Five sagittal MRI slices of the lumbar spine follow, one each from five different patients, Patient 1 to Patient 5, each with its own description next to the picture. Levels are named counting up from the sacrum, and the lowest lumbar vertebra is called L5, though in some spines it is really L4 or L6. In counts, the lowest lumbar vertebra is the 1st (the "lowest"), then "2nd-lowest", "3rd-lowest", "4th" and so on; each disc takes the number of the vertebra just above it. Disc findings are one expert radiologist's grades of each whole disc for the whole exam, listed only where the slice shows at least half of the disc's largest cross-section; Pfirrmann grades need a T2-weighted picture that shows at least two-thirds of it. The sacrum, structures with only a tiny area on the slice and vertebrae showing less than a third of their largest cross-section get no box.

Patient 1 of 5:
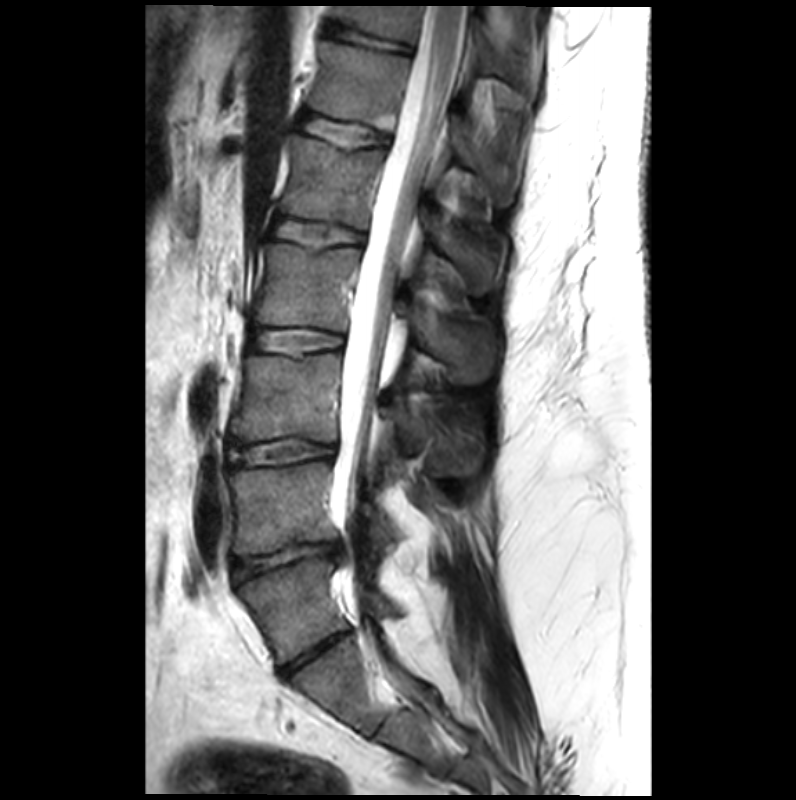 796x800 px | Sagittal slice index 17 | Sagittal T2-weighted lumbar spine MRI

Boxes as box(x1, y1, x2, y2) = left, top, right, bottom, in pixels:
Annotations:
- 6th vertebra = box(307, 42, 511, 205)
- 5th disc = box(271, 219, 363, 248)
- 2nd-lowest vertebra = box(227, 461, 393, 553)
- lowest vertebra = box(239, 559, 396, 665)
- 3rd-lowest disc = box(227, 439, 333, 464)
- lowest disc = box(280, 632, 349, 676)
- 2nd-lowest disc = box(232, 543, 339, 580)
- 7th vertebra = box(331, 5, 528, 87)
- 4th disc = box(249, 328, 344, 354)
- 6th disc = box(299, 113, 386, 148)
- 7th disc = box(325, 21, 410, 51)
- spinal canal = box(338, 6, 465, 510)
- 3rd-lowest vertebra = box(231, 354, 427, 456)
- 4th vertebra = box(250, 242, 493, 381)
- 5th vertebra = box(278, 134, 494, 293)

Degenerative findings by level:
• 3rd-lowest disc: Pfirrmann grade 2
• 7th disc: Pfirrmann grade 2, lower-endplate change
• 2nd-lowest disc: Pfirrmann grade 3, spondylolisthesis, Modic type III, disc herniation, disc narrowing, lower-endplate change, upper-endplate change
• 5th disc: Pfirrmann grade 2, upper-endplate change, lower-endplate change
• lowest disc: Pfirrmann grade 3, disc narrowing
• 4th disc: Pfirrmann grade 2
• 6th disc: Pfirrmann grade 2, lower-endplate change, upper-endplate change

Patient 2 of 5:
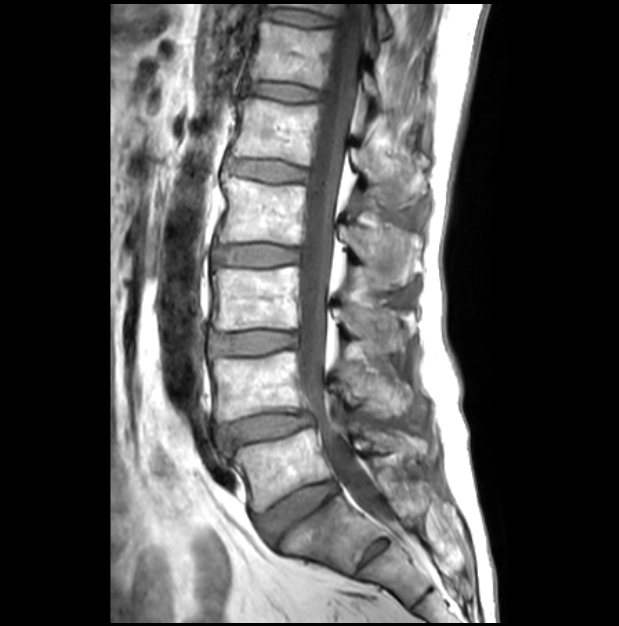 Sex M. Lumbar spine MR, T1-weighted, sagittal.

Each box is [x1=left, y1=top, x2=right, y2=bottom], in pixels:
Segmented structures:
• 7th disc: [x1=264, y1=9, x2=333, y2=25]
• 7th vertebra: [x1=271, y1=2, x2=391, y2=37]
• 3rd-lowest vertebra: [x1=210, y1=267, x2=415, y2=353]
• 2nd-lowest disc: [x1=217, y1=412, x2=312, y2=449]
• thecal sac / spinal canal: [x1=298, y1=4, x2=386, y2=519]
• 3rd-lowest disc: [x1=210, y1=331, x2=295, y2=356]
• 2nd-lowest vertebra: [x1=210, y1=351, x2=411, y2=423]
• lowest vertebra: [x1=232, y1=428, x2=426, y2=511]
• 5th vertebra: [x1=232, y1=97, x2=426, y2=203]
• 6th disc: [x1=243, y1=81, x2=318, y2=101]
• 6th vertebra: [x1=249, y1=21, x2=426, y2=117]
• 4th vertebra: [x1=217, y1=176, x2=419, y2=288]
• lowest disc: [x1=258, y1=480, x2=337, y2=541]
• 5th disc: [x1=226, y1=159, x2=307, y2=181]
• 4th disc: [x1=211, y1=245, x2=297, y2=266]

Per-level radiological findings:
  2nd-lowest disc: disc narrowing, upper-endplate change, disc bulging, lower-endplate change, spondylolisthesis
  6th disc, 7th disc, 4th disc, 5th disc, 3rd-lowest disc, lowest disc: no herniation, bulging, narrowing, spondylolisthesis, endplate or Modic change recorded

Patient 3 of 5:
Slice spacing 3.3 mm; Sagittal slice index 2; MRI lumbar spine (T1-weighted), sagittal plane; Image 512x512

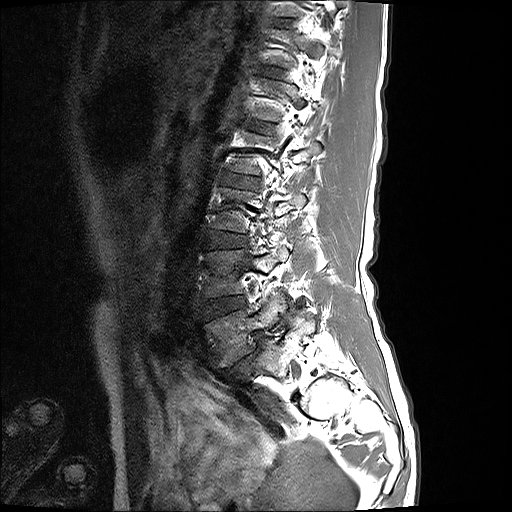
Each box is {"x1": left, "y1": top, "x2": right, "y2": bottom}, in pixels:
L3/L4 = {"x1": 206, "y1": 231, "x2": 246, "y2": 247}.
L5/S1 = {"x1": 221, "y1": 337, "x2": 265, "y2": 379}.
L2/L3 = {"x1": 223, "y1": 173, "x2": 258, "y2": 189}.
L4 = {"x1": 205, "y1": 248, "x2": 288, "y2": 297}.
L5 = {"x1": 205, "y1": 293, "x2": 287, "y2": 367}.
T12/L1 = {"x1": 263, "y1": 66, "x2": 283, "y2": 76}.
L4/L5 = {"x1": 202, "y1": 296, "x2": 245, "y2": 320}.
IVD L1/L2 = {"x1": 247, "y1": 120, "x2": 273, "y2": 132}.

Expert MSK radiologist gradings (per disc):
  L5/S1: Modic type II, spondylolisthesis, disc narrowing, disc bulging
  L2/L3, L4/L5, L3/L4: no Modic or endplate change, herniation, narrowing, bulging or spondylolisthesis recorded

Patient 4 of 5:
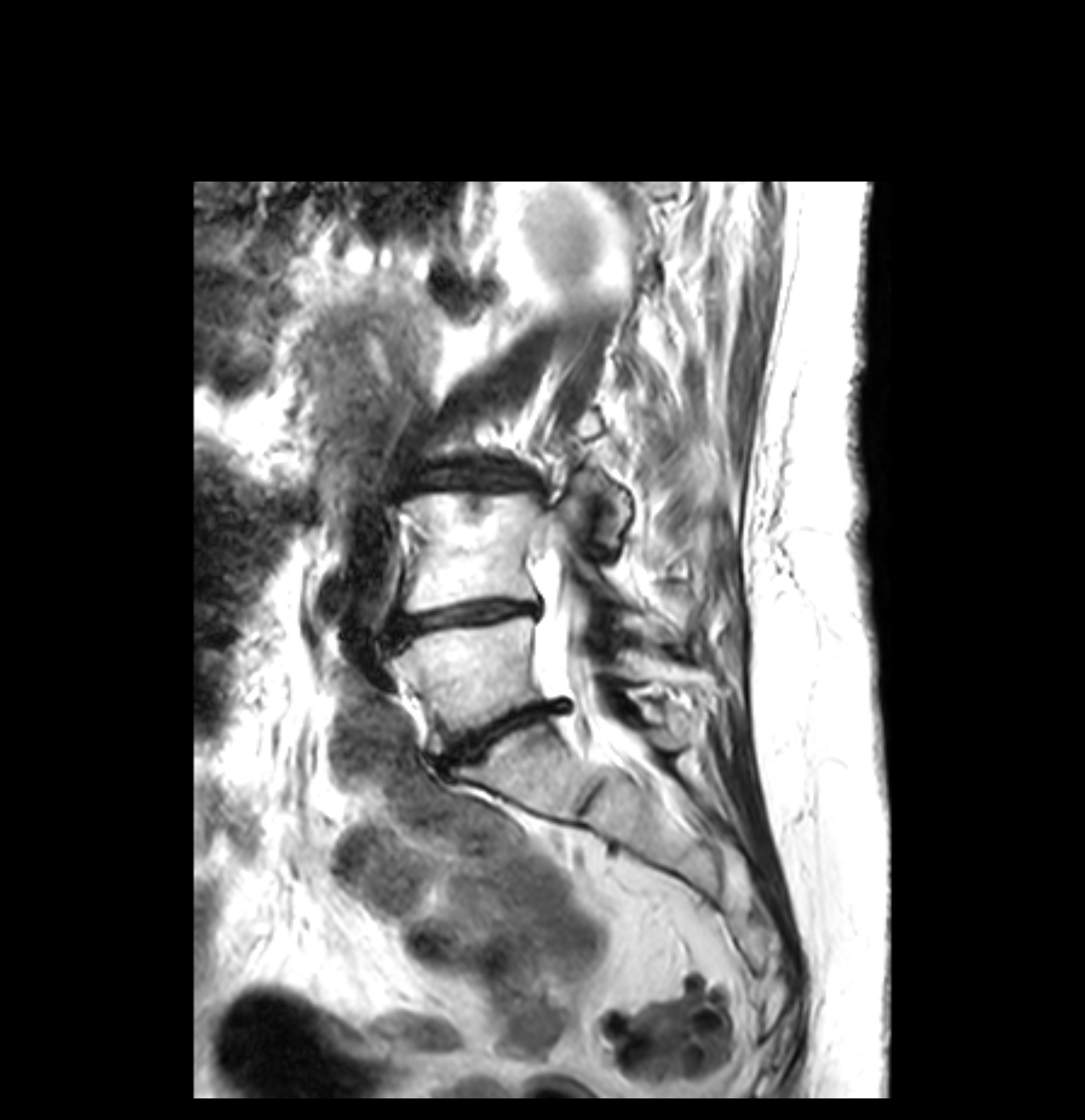 MRI lumbar spine (T2-weighted), sagittal plane, Field of view 280x289 mm, slice spacing 3.4 mm, Patient sex: F
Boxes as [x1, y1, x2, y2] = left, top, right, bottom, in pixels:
{"L5 vertebra": "[390, 613, 627, 756]", "L4 vertebra": "[402, 481, 615, 613]", "L4/L5": "[395, 600, 540, 639]", "thecal sac / spinal canal": "[540, 616, 596, 699]", "disc L5/S1": "[441, 700, 571, 769]"}

Degenerative findings by level:
• L4/L5: Pfirrmann grade 5, disc bulging, lower-endplate change, upper-endplate change, Modic type II, disc narrowing
• L5/S1: Pfirrmann grade 5, upper-endplate change, lower-endplate change, disc bulging, Modic type II, disc herniation, disc narrowing

Patient 5 of 5:
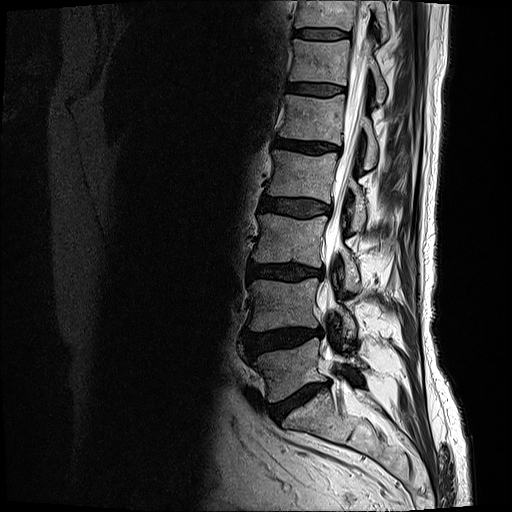
Slice spacing 3.3 mm, MRI lumbar spine (T2-weighted), sagittal plane, 512x512 px

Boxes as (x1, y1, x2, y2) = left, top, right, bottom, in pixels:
Thecal sac / spinal canal at (317, 12, 368, 312), L4 vertebra at (249, 279, 357, 338), intervertebral disc T12/L1 at (288, 84, 346, 96), L3/L4 at (248, 262, 324, 281), intervertebral disc L4/L5 at (244, 327, 323, 355), T11 at (295, 0, 390, 40), L1 at (280, 94, 378, 168), L5 vertebra at (253, 338, 365, 402), intervertebral disc L1/L2 at (275, 138, 340, 153), L2/L3 at (260, 195, 332, 218), T12 at (290, 39, 387, 104), L3 vertebra at (253, 213, 360, 292), L2 vertebra at (267, 150, 367, 230), intervertebral disc T11/T12 at (295, 30, 348, 39), L5/S1 at (268, 381, 329, 422).

Per-level radiological findings:
  L4/L5: Pfirrmann grade 4, disc herniation, disc bulging
  T12/L1: Pfirrmann grade 3
  L5/S1: Pfirrmann grade 5, disc bulging, lower-endplate change, disc narrowing, Modic type II
  L3/L4: Pfirrmann grade 4, lower-endplate change, Modic type II, disc bulging, disc narrowing
  L1/L2: Pfirrmann grade 4, lower-endplate change, disc bulging, upper-endplate change, disc narrowing, Modic type II
  T11/T12: Pfirrmann grade 3
  L2/L3: Pfirrmann grade 3, disc bulging